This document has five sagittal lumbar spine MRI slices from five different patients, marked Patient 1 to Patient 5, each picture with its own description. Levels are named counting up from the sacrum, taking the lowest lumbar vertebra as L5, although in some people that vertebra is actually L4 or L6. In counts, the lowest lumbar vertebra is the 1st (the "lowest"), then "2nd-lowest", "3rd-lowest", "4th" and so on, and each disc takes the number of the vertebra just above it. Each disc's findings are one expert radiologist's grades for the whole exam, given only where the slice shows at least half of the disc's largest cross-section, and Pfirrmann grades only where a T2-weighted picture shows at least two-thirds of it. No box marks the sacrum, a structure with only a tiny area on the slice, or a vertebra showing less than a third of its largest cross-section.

Patient 1 of 5:
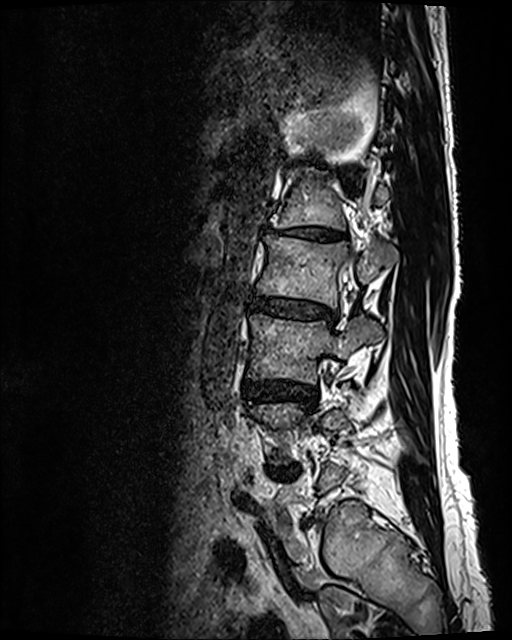 Lumbar spine MR, T2 SPACE (3D), sagittal, Slice spacing 0.9 mm, Sagittal slice index 35
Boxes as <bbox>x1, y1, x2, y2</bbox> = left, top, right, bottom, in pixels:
Structures:
* L4 vertebra = <bbox>249, 403, 345, 465</bbox>
* disc L4/L5 = <bbox>272, 470, 294, 475</bbox>
* disc L2/L3 = <bbox>250, 295, 337, 325</bbox>
* T12/L1 = <bbox>305, 156, 320, 165</bbox>
* disc L3/L4 = <bbox>245, 381, 316, 404</bbox>
* L2 vertebra = <bbox>257, 235, 398, 307</bbox>
* L1/L2 = <bbox>264, 225, 347, 240</bbox>
* L1 = <bbox>276, 167, 389, 229</bbox>
* L3 vertebra = <bbox>249, 313, 383, 383</bbox>

Degenerative findings by level:
• L2/L3: Pfirrmann grade 3, disc bulging, disc narrowing
• L1/L2: Pfirrmann grade 5, upper-endplate change, disc bulging, Modic type II, disc narrowing, lower-endplate change
• L3/L4: Pfirrmann grade 3, disc bulging

Patient 2 of 5:
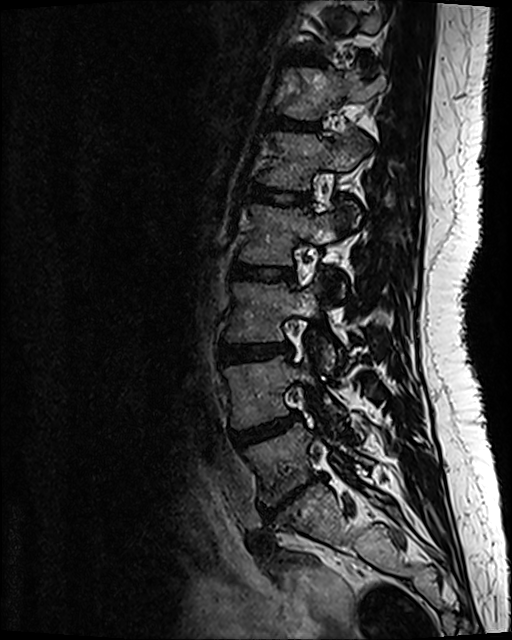 Patient sex: F; Slice spacing 0.9 mm; Lumbar spine MR, T2 SPACE (3D), sagittal

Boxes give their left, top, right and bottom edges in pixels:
2nd-lowest vertebra at left=225, top=357, right=341, bottom=426 | 3rd-lowest vertebra at left=226, top=281, right=335, bottom=371 | lowest disc at left=262, top=475, right=323, bottom=519 | 4th disc at left=231, top=261, right=294, bottom=281 | 3rd-lowest disc at left=220, top=345, right=291, bottom=363 | 6th disc at left=269, top=117, right=316, bottom=130 | 7th disc at left=287, top=53, right=319, bottom=62 | 2nd-lowest disc at left=230, top=412, right=300, bottom=447 | lowest vertebra at left=246, top=424, right=371, bottom=504 | 4th vertebra at left=240, top=206, right=334, bottom=264 | 5th disc at left=246, top=185, right=308, bottom=207 | 5th vertebra at left=260, top=133, right=367, bottom=188 | 6th vertebra at left=281, top=68, right=384, bottom=119

Per-level radiological findings:
• 4th disc: Pfirrmann grade 2
• 6th disc: Pfirrmann grade 2
• 2nd-lowest disc: Pfirrmann grade 3, disc bulging
• 3rd-lowest disc: Pfirrmann grade 2, disc bulging
• 5th disc: Pfirrmann grade 2

Patient 3 of 5:
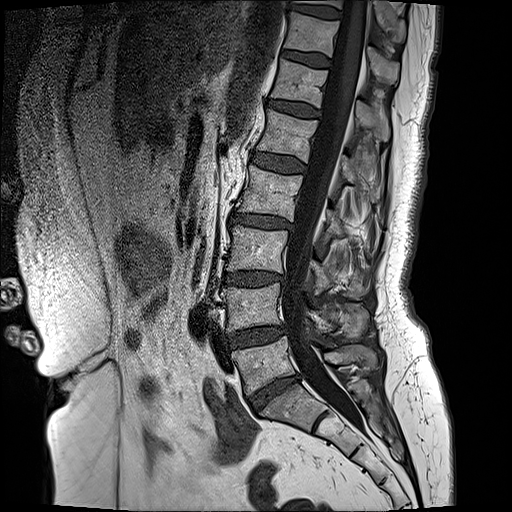
Lumbar spine MR, T1-weighted, sagittal | Slice 10 of 17 | Patient sex: F
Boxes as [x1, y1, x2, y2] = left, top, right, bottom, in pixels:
Segmented structures:
* T11: [284, 13, 398, 84]
* L3 vertebra: [228, 225, 362, 297]
* L5/S1: [249, 376, 298, 411]
* T10 vertebra: [293, 0, 406, 40]
* L3/L4: [223, 271, 283, 283]
* T12: [271, 59, 390, 141]
* T12/L1: [267, 99, 319, 117]
* L1: [257, 110, 354, 183]
* L1/L2: [251, 152, 305, 172]
* L5 vertebra: [233, 337, 377, 393]
* L2: [236, 166, 342, 242]
* L2/L3: [229, 210, 291, 227]
* IVD L4/L5: [229, 326, 284, 346]
* IVD T10/T11: [287, 5, 340, 18]
* IVD T11/T12: [283, 50, 330, 66]
* spinal canal: [282, 1, 366, 429]
* L4: [222, 282, 368, 337]

Expert MSK radiologist gradings (per disc):
• L4/L5: disc bulging
• T12/L1: disc bulging
• L5/S1: disc bulging, disc narrowing
• L2/L3: Modic type II, lower-endplate change, disc bulging, disc narrowing, upper-endplate change
• L3/L4: upper-endplate change, Modic type II, disc narrowing, disc bulging, lower-endplate change
• T11/T12, L1/L2, T10/T11: no spondylolisthesis, narrowing, bulging, herniation, Modic or endplate change recorded

Patient 4 of 5:
Slice 73 of 143, MRI lumbar spine (T2 SPACE (3D)), sagittal plane, Image 512x652

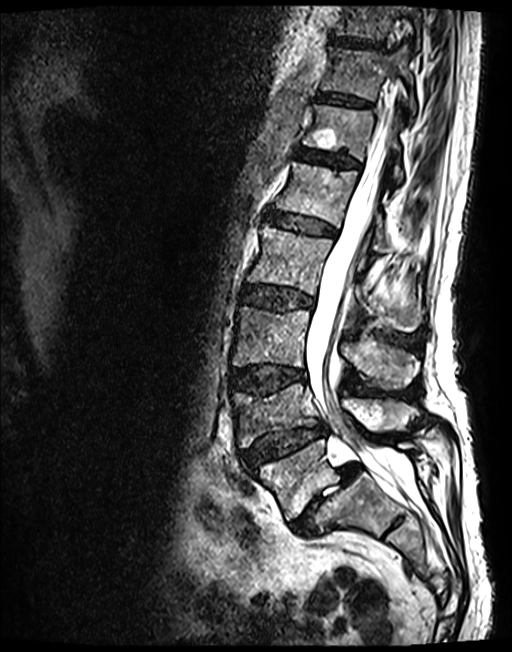 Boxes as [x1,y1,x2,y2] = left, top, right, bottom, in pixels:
L2/L3 (4th disc) at [243,286,312,311] | disc T11/T12 (7th disc) at [318,93,371,107] | L4 (2nd-lowest vertebra) at [230,385,418,447] | L1 (5th vertebra) at [276,162,387,252] | L4/L5 (2nd-lowest disc) at [241,425,325,468] | L2 (4th vertebra) at [248,225,422,329] | L5 (lowest vertebra) at [254,440,418,519] | disc L3/L4 (3rd-lowest disc) at [230,365,305,394] | thecal sac / spinal canal at [306,110,398,486] | L5/S1 (lowest disc) at [291,462,360,536] | T12 (6th vertebra) at [304,104,403,183] | disc L1/L2 (5th disc) at [268,212,334,236] | T12/L1 (6th disc) at [295,149,359,166] | T10 (8th vertebra) at [335,6,420,39] | disc T10/T11 (8th disc) at [330,38,382,48] | L3 (3rd-lowest vertebra) at [232,306,419,388] | T11 (7th vertebra) at [322,47,416,115]

Radiological gradings:
• L3/L4 (3rd-lowest disc): Pfirrmann grade 3, lower-endplate change, upper-endplate change, disc bulging
• L2/L3 (4th disc): Pfirrmann grade 3, disc bulging
• L1/L2 (5th disc): Pfirrmann grade 3
• T12/L1 (6th disc): Pfirrmann grade 3
• L5/S1 (lowest disc): Pfirrmann grade 5, spondylolisthesis, disc herniation, Modic type II, disc narrowing
• L4/L5 (2nd-lowest disc): Pfirrmann grade 3, upper-endplate change, lower-endplate change, disc narrowing, spondylolisthesis, disc herniation
• T10/T11 (8th disc), T11/T12 (7th disc): no spondylolisthesis, narrowing, bulging, herniation, Modic or endplate change recorded

Patient 5 of 5:
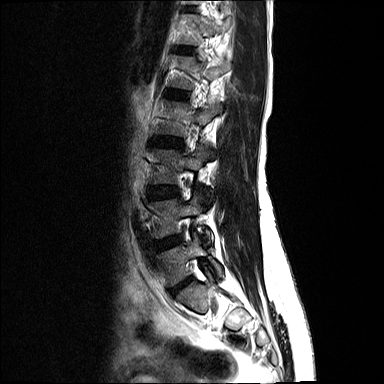 384x384 px, MRI lumbar spine (T2-weighted), sagittal plane, Slice 11 of 14
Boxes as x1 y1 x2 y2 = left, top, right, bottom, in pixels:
T12 vertebra at 179 14 223 45, L1 at 171 56 231 89, L4/L5 at 153 236 181 250, L4 vertebra at 149 192 213 243, L1/L2 at 170 90 187 98, L3/L4 at 149 186 177 199, L5 at 157 234 222 286, L3 at 151 145 212 200, L2 at 158 99 221 135, T12/L1 at 179 48 192 52, disc L5/S1 at 172 278 190 293, L2/L3 at 154 137 183 147.

Per-level radiological findings:
  L2/L3: disc bulging
  L3/L4: no Modic or endplate change, herniation, narrowing, bulging or spondylolisthesis recorded